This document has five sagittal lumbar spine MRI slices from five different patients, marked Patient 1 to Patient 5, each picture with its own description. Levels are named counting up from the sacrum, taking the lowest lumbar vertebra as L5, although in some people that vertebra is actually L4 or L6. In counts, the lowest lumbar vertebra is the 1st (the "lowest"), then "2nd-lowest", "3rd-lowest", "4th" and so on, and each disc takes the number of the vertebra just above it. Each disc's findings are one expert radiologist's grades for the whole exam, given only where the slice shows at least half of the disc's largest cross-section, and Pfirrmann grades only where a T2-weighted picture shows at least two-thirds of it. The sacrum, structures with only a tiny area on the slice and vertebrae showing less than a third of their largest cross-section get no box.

Patient 1 of 5:
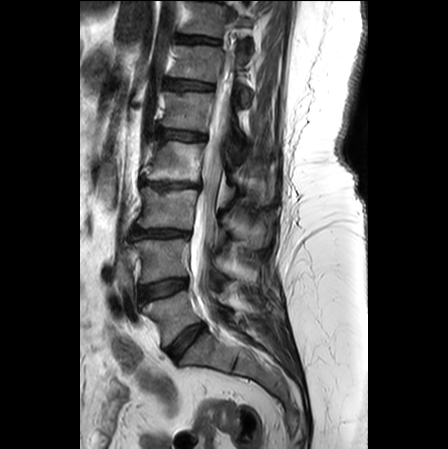

Sagittal slice index 10; MRI lumbar spine (T2-weighted), sagittal plane
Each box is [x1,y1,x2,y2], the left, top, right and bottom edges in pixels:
L2/L3 (4th disc) at [141,178,199,187], IVD L3/L4 (3rd-lowest disc) at [132,227,191,239], L5 (lowest vertebra) at [142,290,228,345], L4 (2nd-lowest vertebra) at [130,239,231,283], L3 (3rd-lowest vertebra) at [137,186,260,246], spinal canal at [191,64,231,319], T12/L1 (6th disc) at [165,79,212,89], IVD T11/T12 (7th disc) at [177,35,219,43], IVD L1/L2 (5th disc) at [155,128,205,140], T11 (7th vertebra) at [182,2,250,36], L5/S1 (lowest disc) at [167,323,204,359], IVD L4/L5 (2nd-lowest disc) at [139,279,187,301], L2 (4th vertebra) at [146,141,273,203], L1 (5th vertebra) at [162,90,248,158], T12 (6th vertebra) at [171,45,252,105].

Expert MSK radiologist gradings (per disc):
• L3/L4 (3rd-lowest disc): Pfirrmann grade 4, lower-endplate change, disc bulging, disc narrowing, upper-endplate change
• T11/T12 (7th disc): Pfirrmann grade 3, upper-endplate change
• L1/L2 (5th disc): Pfirrmann grade 2, disc bulging
• L4/L5 (2nd-lowest disc): Pfirrmann grade 2, disc bulging, upper-endplate change, lower-endplate change, Modic type II
• L2/L3 (4th disc): Pfirrmann grade 5, disc herniation, disc narrowing, Modic type II, lower-endplate change, upper-endplate change
• T12/L1 (6th disc): Pfirrmann grade 2, upper-endplate change
• L5/S1 (lowest disc): Pfirrmann grade 2, disc bulging

Patient 2 of 5:
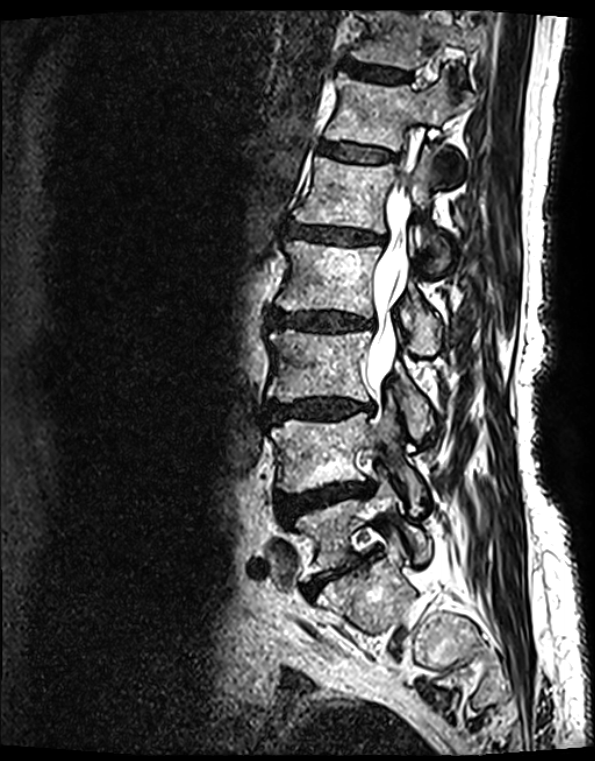

Slice 85/139 | MRI lumbar spine (T2 SPACE (3D)), sagittal plane | Field of view 240x307 mm, slice spacing 0.9 mm | 595x761 px

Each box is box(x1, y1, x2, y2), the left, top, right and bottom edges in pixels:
L1/L2 at box(288, 225, 376, 245); T12 at box(326, 74, 473, 150); L1 vertebra at box(294, 151, 450, 270); T11 at box(350, 11, 484, 80); IVD L3/L4 at box(271, 399, 371, 421); IVD L4/L5 at box(280, 483, 363, 525); T11/T12 at box(342, 63, 409, 83); T12/L1 at box(319, 144, 391, 163); L5 at box(294, 477, 430, 581); L2/L3 at box(271, 312, 372, 331); thecal sac / spinal canal at box(366, 182, 412, 394); L5/S1 at box(303, 557, 364, 595); L3 vertebra at box(267, 330, 431, 439); L4 at box(271, 412, 423, 512); L2 vertebra at box(277, 242, 440, 355).

Expert MSK radiologist gradings (per disc):
• L4/L5: disc narrowing, disc bulging, disc herniation, upper-endplate change, Modic type II, lower-endplate change
• T11/T12: Pfirrmann grade 2, Modic type II, lower-endplate change, upper-endplate change
• L3/L4: Pfirrmann grade 4, upper-endplate change, Modic type II, disc narrowing, lower-endplate change, disc bulging
• L2/L3: Pfirrmann grade 4, lower-endplate change, upper-endplate change, disc narrowing, Modic type II, disc bulging
• T12/L1: Pfirrmann grade 2, Modic type II, upper-endplate change, lower-endplate change
• L1/L2: Pfirrmann grade 4, lower-endplate change, disc bulging, Modic type II, upper-endplate change, disc narrowing

Patient 3 of 5:
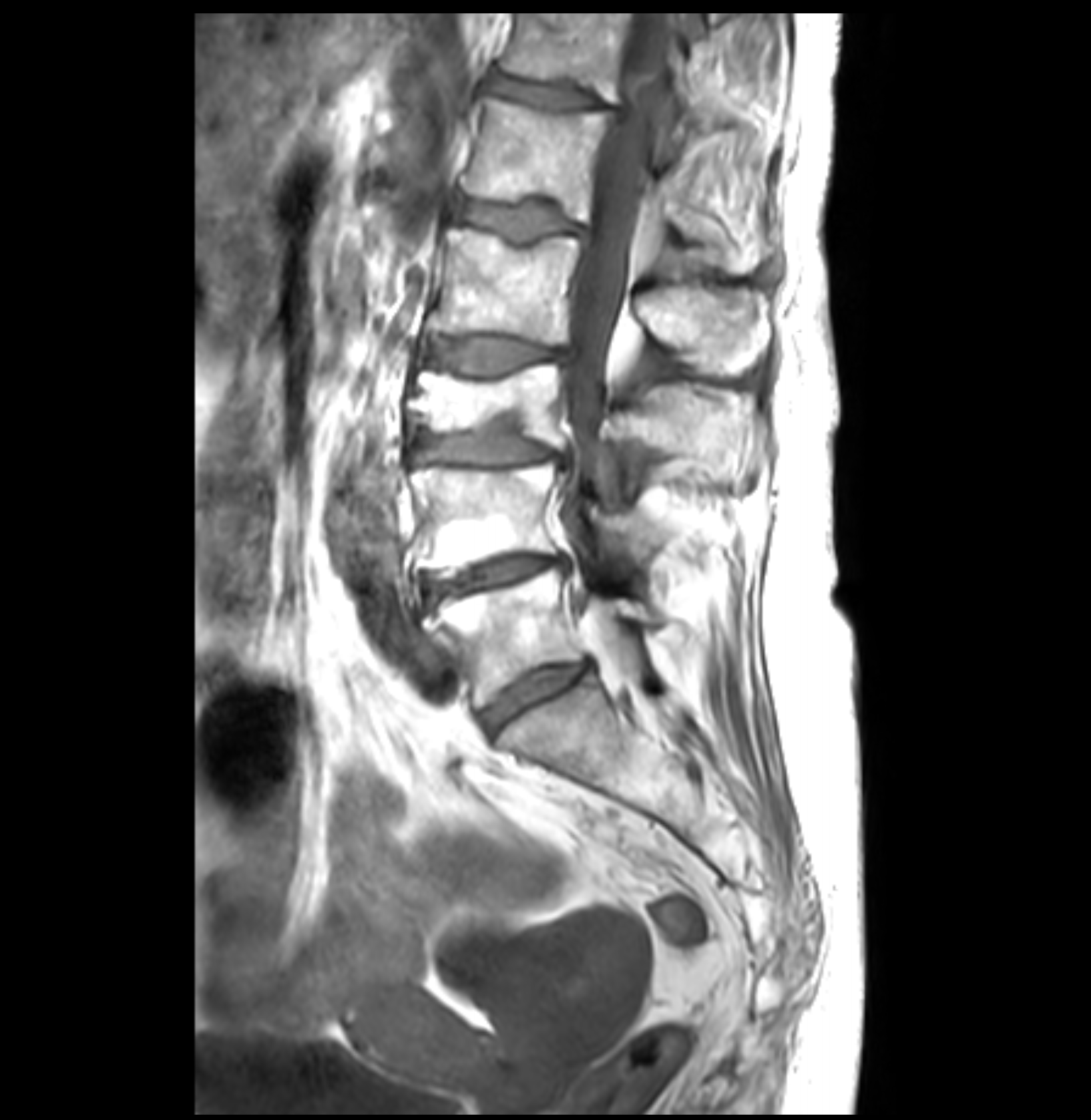 Sagittal T1-weighted lumbar spine MRI
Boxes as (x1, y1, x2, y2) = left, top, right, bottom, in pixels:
L5/S1 at (482, 662, 589, 731), thecal sac / spinal canal at (560, 13, 676, 520), L3/L4 at (414, 419, 562, 465), L3 vertebra at (409, 364, 756, 474), L4/L5 at (419, 556, 570, 608), IVD T12/L1 at (480, 67, 623, 118), L5 at (424, 566, 662, 708), L2 vertebra at (429, 228, 771, 375), L1 vertebra at (463, 98, 759, 274), T12 at (501, 13, 779, 144), L4 vertebra at (411, 462, 660, 574), L1/L2 at (458, 203, 591, 240), IVD L2/L3 at (421, 336, 570, 373).

Per-level radiological findings:
- L4/L5: disc bulging, Modic type II, disc narrowing
- L3/L4: disc bulging, upper-endplate change, Modic type II, disc narrowing
- L5/S1: disc bulging
- L1/L2: lower-endplate change, upper-endplate change
- L2/L3: Modic type II, disc bulging
- T12/L1: upper-endplate change, disc bulging

Patient 4 of 5:
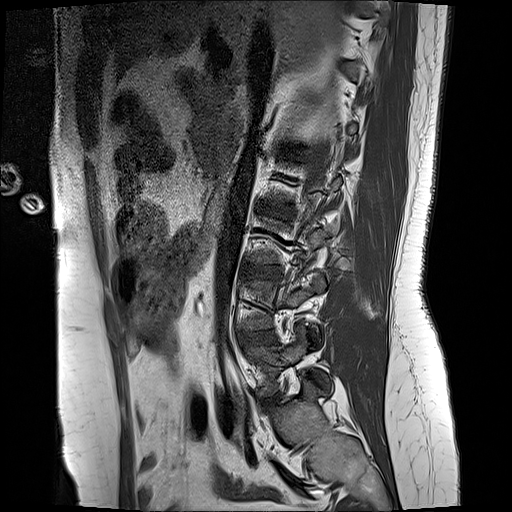
Lumbar spine MR, T1-weighted, sagittal

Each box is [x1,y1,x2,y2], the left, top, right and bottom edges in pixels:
4th disc: [258,203,289,217]
lowest vertebra: [250,326,331,394]
3rd-lowest disc: [244,266,277,278]
2nd-lowest disc: [241,331,275,345]

Radiological gradings:
  4th disc: upper-endplate change, disc bulging, lower-endplate change

Patient 5 of 5:
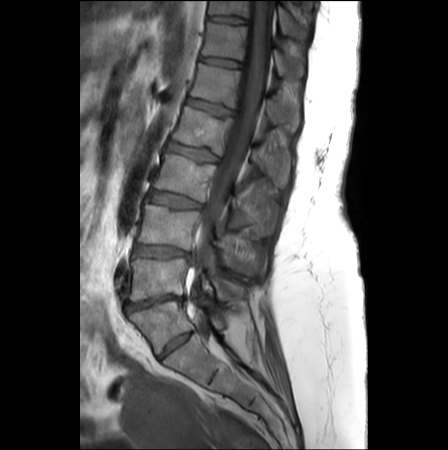 Sagittal slice index 14; 448x450 px; Field of view 280x282 mm; Sagittal T1-weighted lumbar spine MRI
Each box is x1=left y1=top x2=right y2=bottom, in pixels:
Structures:
* 7th vertebra at x1=208 y1=1 x2=307 y2=38
* 6th vertebra at x1=202 y1=22 x2=303 y2=76
* 7th disc at x1=208 y1=15 x2=245 y2=23
* 4th disc at x1=166 y1=141 x2=217 y2=162
* 3rd-lowest vertebra at x1=152 y1=154 x2=274 y2=237
* 2nd-lowest disc at x1=132 y1=244 x2=189 y2=258
* 4th vertebra at x1=172 y1=107 x2=289 y2=187
* 6th disc at x1=200 y1=57 x2=238 y2=68
* 3rd-lowest disc at x1=148 y1=190 x2=201 y2=207
* spinal canal at x1=190 y1=1 x2=272 y2=328
* lowest disc at x1=124 y1=296 x2=183 y2=312
* lowest vertebra at x1=127 y1=259 x2=231 y2=301
* 5th disc at x1=187 y1=98 x2=231 y2=116
* 2nd-lowest vertebra at x1=137 y1=205 x2=259 y2=277
* 5th vertebra at x1=190 y1=63 x2=299 y2=132

Degenerative findings by level:
  2nd-lowest disc: disc herniation, disc bulging
  4th disc: upper-endplate change, lower-endplate change
  3rd-lowest disc: disc bulging, Modic type II
  lowest disc: disc bulging, spondylolisthesis, disc narrowing, Modic type II
  5th disc: lower-endplate change, upper-endplate change
  7th disc, 6th disc: no spondylolisthesis, narrowing, bulging, herniation, Modic or endplate change recorded